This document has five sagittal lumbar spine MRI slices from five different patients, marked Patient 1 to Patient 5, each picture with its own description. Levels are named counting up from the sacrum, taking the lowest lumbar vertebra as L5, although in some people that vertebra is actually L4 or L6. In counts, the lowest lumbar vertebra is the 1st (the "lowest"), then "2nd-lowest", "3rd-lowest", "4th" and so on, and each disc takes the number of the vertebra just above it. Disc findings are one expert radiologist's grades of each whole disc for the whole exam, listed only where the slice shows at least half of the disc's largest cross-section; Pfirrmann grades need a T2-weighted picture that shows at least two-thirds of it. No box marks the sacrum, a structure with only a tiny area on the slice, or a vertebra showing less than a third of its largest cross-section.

Patient 1 of 5:
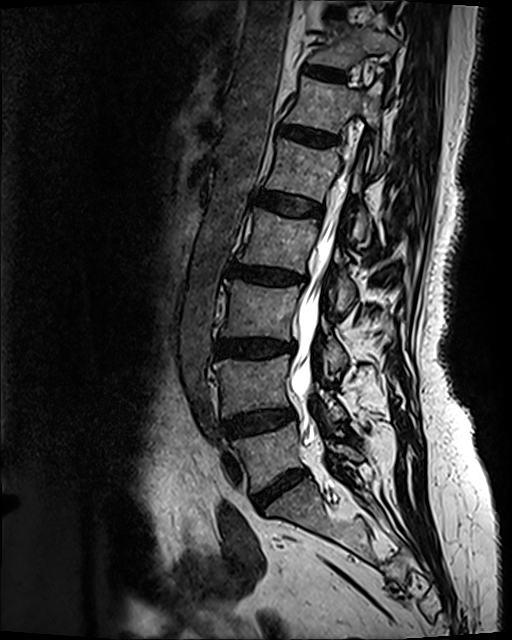
MRI lumbar spine (T2 SPACE (3D)), sagittal plane | Patient sex: F | 512x640 px

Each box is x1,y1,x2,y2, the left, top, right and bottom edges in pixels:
L1 vertebra: 266,138,370,241.
L3/L4: 215,339,295,355.
T11/T12: 304,65,345,81.
T12/L1: 278,125,336,146.
L4 vertebra: 214,354,344,421.
L5/S1: 255,472,303,509.
T10/T11: 327,8,344,16.
L3 vertebra: 221,280,347,372.
L5 vertebra: 233,422,362,492.
L2 vertebra: 238,208,354,311.
T12: 285,77,384,168.
Disc L1/L2: 254,190,322,216.
L2/L3: 228,266,303,284.
L4/L5: 225,408,295,438.
Thecal sac / spinal canal: 290,151,353,444.
T11 vertebra: 309,27,396,67.

Per-level radiological findings:
  T12/L1: Pfirrmann grade 3, disc bulging
  L2/L3: Pfirrmann grade 4, Modic type II, upper-endplate change, lower-endplate change, disc narrowing, disc bulging
  L1/L2: Pfirrmann grade 2
  L4/L5: Pfirrmann grade 3, disc bulging
  L3/L4: Pfirrmann grade 4, Modic type II, lower-endplate change, disc narrowing, upper-endplate change, disc bulging
  L5/S1: disc bulging, disc narrowing
  T11/T12: no Modic or endplate change, herniation, narrowing, bulging or spondylolisthesis recorded

Patient 2 of 5:
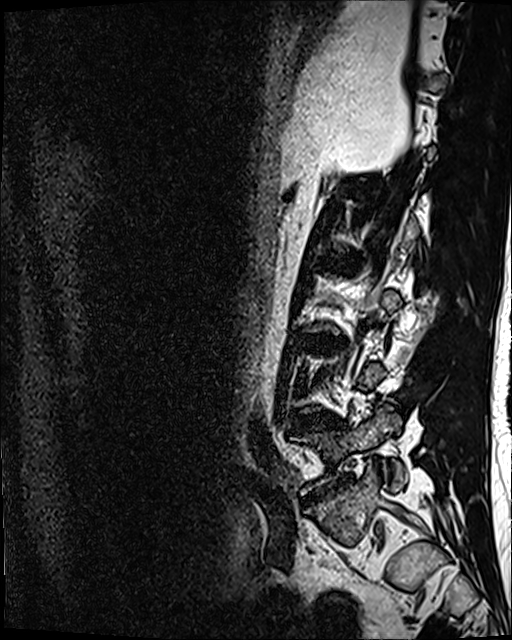

512x640 px, MRI lumbar spine (T2 SPACE (3D)), sagittal plane, Slice 93/120

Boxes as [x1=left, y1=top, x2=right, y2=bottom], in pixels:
L5 vertebra: [x1=291, y1=404, x2=407, y2=494]
L2/L3: [x1=319, y1=255, x2=357, y2=269]
L3/L4: [x1=302, y1=335, x2=339, y2=345]
L4/L5: [x1=296, y1=415, x2=333, y2=427]

Patient 3 of 5:
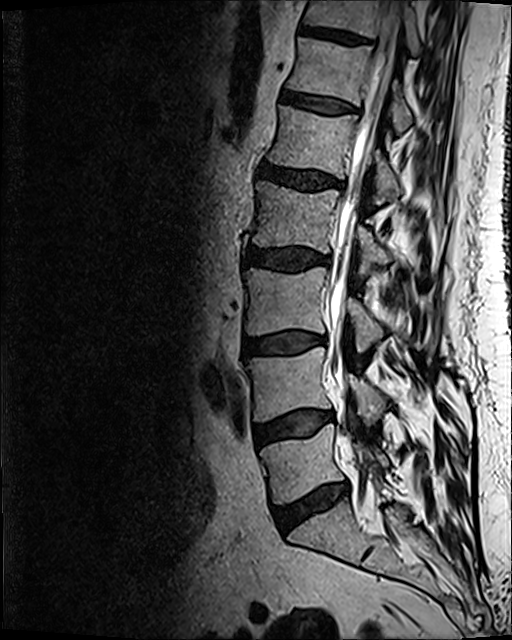

512x640 px, T2 SPACE (3D) sagittal MRI of the lumbar spine, Slice 69/120

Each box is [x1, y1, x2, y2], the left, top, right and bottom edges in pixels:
Disc T11/T12 — [299, 24, 372, 45].
L5/S1 — [273, 482, 348, 531].
T11 vertebra — [304, 0, 423, 56].
L4/L5 — [253, 411, 332, 446].
L3/L4 — [244, 331, 319, 355].
L5 vertebra — [260, 424, 388, 503].
L1/L2 — [257, 161, 343, 191].
T12 vertebra — [287, 38, 411, 132].
L1 — [269, 106, 400, 203].
Thecal sac / spinal canal — [329, 0, 401, 516].
L4 vertebra — [248, 348, 384, 422].
L2/L3 — [246, 247, 329, 271].
T12/L1 — [282, 90, 356, 113].
L3 vertebra — [244, 267, 421, 352].
L2 vertebra — [253, 182, 420, 275].

Expert MSK radiologist gradings (per disc):
- L2/L3: Pfirrmann grade 3, disc bulging
- T11/T12: Pfirrmann grade 3
- T12/L1: Pfirrmann grade 2
- L3/L4: Pfirrmann grade 2, disc bulging, Modic type II
- L4/L5: Pfirrmann grade 2, disc bulging, Modic type II
- L5/S1: Pfirrmann grade 3, Modic type II, disc narrowing, disc bulging
- L1/L2: Pfirrmann grade 3, disc bulging

Patient 4 of 5:
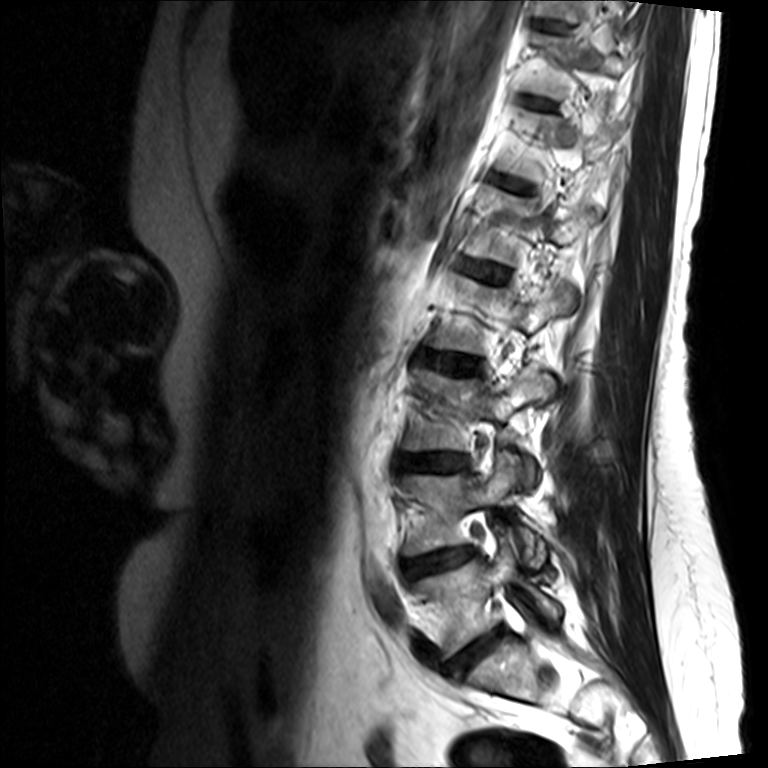
768x768 px. MRI lumbar spine (T2-weighted), sagittal plane.
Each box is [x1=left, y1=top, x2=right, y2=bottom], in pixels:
4th vertebra: [x1=433, y1=275, x2=574, y2=352]
7th disc: [x1=524, y1=96, x2=556, y2=110]
3rd-lowest vertebra: [x1=403, y1=368, x2=552, y2=482]
6th disc: [x1=492, y1=175, x2=530, y2=191]
5th disc: [x1=464, y1=260, x2=508, y2=281]
2nd-lowest vertebra: [x1=402, y1=451, x2=538, y2=558]
3rd-lowest disc: [x1=398, y1=452, x2=468, y2=471]
4th disc: [x1=421, y1=351, x2=480, y2=374]
8th disc: [x1=534, y1=18, x2=572, y2=32]
2nd-lowest disc: [x1=402, y1=546, x2=475, y2=578]
lowest disc: [x1=441, y1=626, x2=505, y2=677]
lowest vertebra: [x1=412, y1=533, x2=562, y2=657]

Expert MSK radiologist gradings (per disc):
  2nd-lowest disc: disc bulging, disc herniation, Modic type II, disc narrowing
  4th disc: disc bulging
  lowest disc: disc narrowing, disc bulging
  3rd-lowest disc: Pfirrmann grade 3, upper-endplate change, disc bulging, lower-endplate change, disc narrowing

Patient 5 of 5:
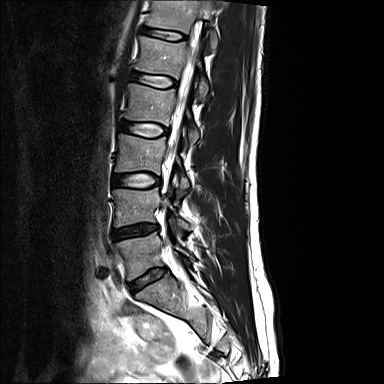

Image 384x384 | Sagittal T2-weighted lumbar spine MRI

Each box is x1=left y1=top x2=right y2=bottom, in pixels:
Segmented structures:
- L3 — x1=115 y1=134 x2=188 y2=196
- spinal canal — x1=172 y1=54 x2=195 y2=138
- L4/L5 — x1=113 y1=224 x2=157 y2=239
- L2/L3 — x1=120 y1=121 x2=168 y2=136
- IVD L3/L4 — x1=113 y1=173 x2=159 y2=187
- L2 — x1=125 y1=83 x2=198 y2=145
- IVD L5/S1 — x1=129 y1=268 x2=166 y2=292
- L1/L2 — x1=130 y1=72 x2=177 y2=87
- L5 vertebra — x1=117 y1=232 x2=194 y2=279
- T12/L1 — x1=141 y1=26 x2=185 y2=40
- L4 — x1=113 y1=188 x2=191 y2=229
- T12 — x1=147 y1=0 x2=218 y2=50
- L1 — x1=135 y1=36 x2=208 y2=100

Radiological gradings:
• T12/L1: Pfirrmann grade 2
• L5/S1: Pfirrmann grade 2, disc bulging
• L2/L3: Pfirrmann grade 2
• L3/L4: Pfirrmann grade 2
• L1/L2: Pfirrmann grade 2
• L4/L5: Pfirrmann grade 4, disc herniation, disc narrowing